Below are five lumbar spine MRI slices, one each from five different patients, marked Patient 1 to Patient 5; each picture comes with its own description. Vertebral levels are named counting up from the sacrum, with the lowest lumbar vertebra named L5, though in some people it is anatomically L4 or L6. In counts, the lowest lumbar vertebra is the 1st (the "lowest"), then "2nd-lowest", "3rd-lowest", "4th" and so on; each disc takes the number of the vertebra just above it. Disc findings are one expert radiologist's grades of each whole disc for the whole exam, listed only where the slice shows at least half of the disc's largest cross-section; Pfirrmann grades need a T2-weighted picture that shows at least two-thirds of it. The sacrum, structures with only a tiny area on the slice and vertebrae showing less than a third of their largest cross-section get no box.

Patient 1 of 5:
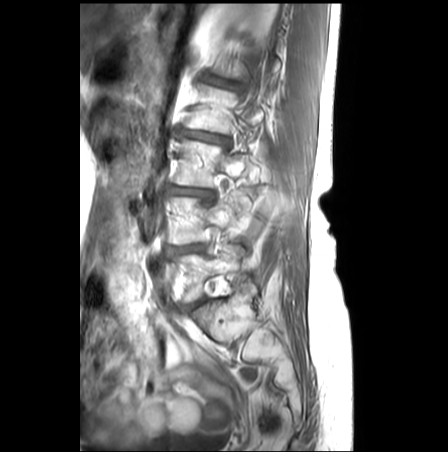 Sagittal slice index 7. Sex F. Sagittal T1-weighted lumbar spine MRI. Image 448x452.
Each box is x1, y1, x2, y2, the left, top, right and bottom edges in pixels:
L4/L5 (2nd-lowest disc) at 172, 244, 201, 253; L3 (3rd-lowest vertebra) at 174, 139, 246, 187; L4 (2nd-lowest vertebra) at 172, 196, 250, 245; IVD L1/L2 (5th disc) at 206, 73, 237, 89; L5 (lowest vertebra) at 178, 246, 243, 300; L2/L3 (4th disc) at 185, 131, 228, 144; L3/L4 (3rd-lowest disc) at 171, 187, 213, 197.

Radiological gradings:
- L1/L2 (5th disc): lower-endplate change, upper-endplate change, disc bulging
- L2/L3 (4th disc): Modic type II, disc narrowing, lower-endplate change, upper-endplate change, disc bulging
- L3/L4 (3rd-lowest disc): upper-endplate change, Modic type II, disc narrowing, lower-endplate change, disc bulging

Patient 2 of 5:
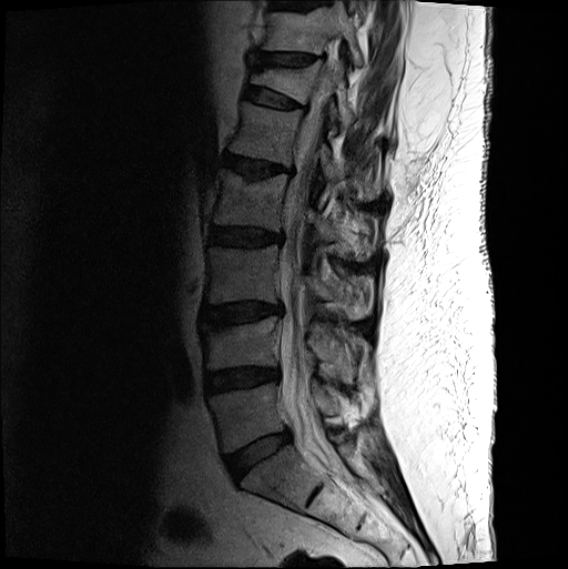 Sagittal T2-weighted lumbar spine MRI; Sagittal slice index 7; Sex M
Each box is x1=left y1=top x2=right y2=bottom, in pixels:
L2: x1=213 y1=169 x2=334 y2=243
L4/L5: x1=205 y1=367 x2=279 y2=393
T12/L1: x1=245 y1=87 x2=302 y2=108
T11: x1=263 y1=4 x2=363 y2=65
T11/T12: x1=253 y1=51 x2=316 y2=68
L5: x1=209 y1=382 x2=337 y2=452
L3 vertebra: x1=205 y1=244 x2=371 y2=319
spinal canal: x1=280 y1=65 x2=336 y2=468
L1: x1=230 y1=101 x2=372 y2=197
L1/L2: x1=223 y1=154 x2=292 y2=177
L4 vertebra: x1=202 y1=315 x2=354 y2=382
disc L5/S1: x1=225 y1=430 x2=291 y2=480
T12 vertebra: x1=251 y1=59 x2=354 y2=130
disc L3/L4: x1=201 y1=302 x2=282 y2=325
disc L2/L3: x1=210 y1=226 x2=283 y2=245

Expert MSK radiologist gradings (per disc):
• L4/L5: Pfirrmann grade 3, disc bulging, disc narrowing
• L2/L3: Pfirrmann grade 3, disc bulging, lower-endplate change
• T12/L1: Pfirrmann grade 2, spondylolisthesis, upper-endplate change, lower-endplate change, disc bulging
• L1/L2: Pfirrmann grade 3, upper-endplate change, disc bulging, disc narrowing, Modic type II, lower-endplate change
• L3/L4: Pfirrmann grade 3, upper-endplate change, Modic type II, disc bulging, lower-endplate change
• T11/T12: Pfirrmann grade 2, disc narrowing, disc bulging, lower-endplate change, upper-endplate change
• L5/S1: Pfirrmann grade 2, disc bulging

Patient 3 of 5:
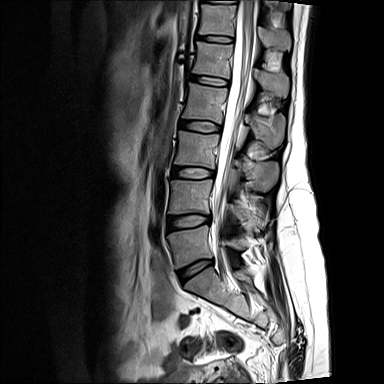 T2-weighted sagittal MRI of the lumbar spine

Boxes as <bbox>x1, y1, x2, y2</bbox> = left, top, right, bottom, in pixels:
T12 (6th vertebra): <bbox>199, 5, 291, 49</bbox>
L1 (5th vertebra): <bbox>192, 42, 288, 97</bbox>
L4/L5 (2nd-lowest disc): <bbox>168, 215, 210, 229</bbox>
L1/L2 (5th disc): <bbox>189, 75, 228, 85</bbox>
L2/L3 (4th disc): <bbox>179, 120, 220, 132</bbox>
IVD L5/S1 (lowest disc): <bbox>178, 261, 211, 281</bbox>
L3 (3rd-lowest vertebra): <bbox>175, 131, 278, 191</bbox>
thecal sac / spinal canal: <bbox>213, 0, 256, 242</bbox>
L5 (lowest vertebra): <bbox>168, 225, 243, 268</bbox>
L4 (2nd-lowest vertebra): <bbox>169, 179, 265, 230</bbox>
IVD T12/L1 (6th disc): <bbox>197, 35, 233, 42</bbox>
L2 (4th vertebra): <bbox>182, 83, 284, 148</bbox>
IVD L3/L4 (3rd-lowest disc): <bbox>172, 167, 214, 178</bbox>

Expert MSK radiologist gradings (per disc):
- L5/S1 (lowest disc): disc bulging
- T12/L1 (6th disc): Pfirrmann grade 1
- L3/L4 (3rd-lowest disc): Pfirrmann grade 1
- L2/L3 (4th disc): Pfirrmann grade 1
- L1/L2 (5th disc): Pfirrmann grade 1
- L4/L5 (2nd-lowest disc): Pfirrmann grade 2, Modic type II, disc bulging

Patient 4 of 5:
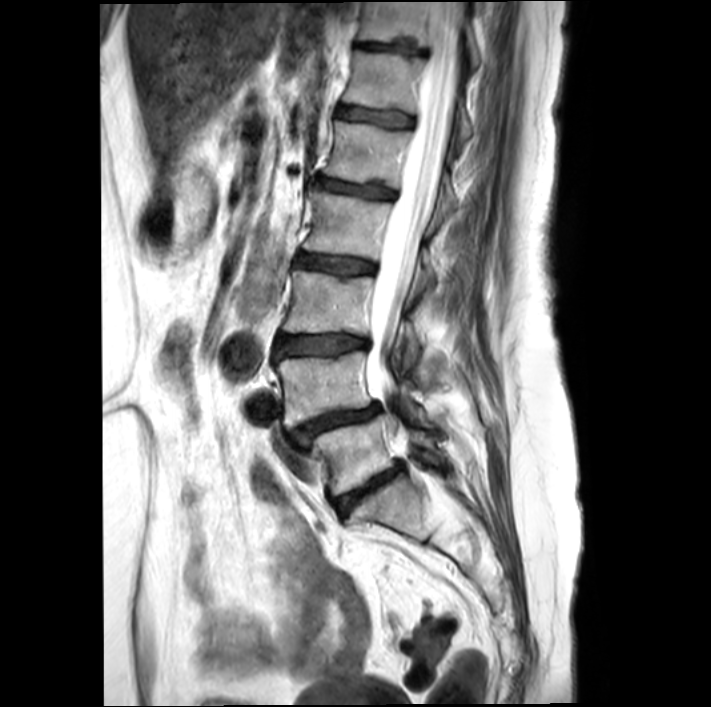
Slice spacing 4.4 mm; T2-weighted sagittal MRI of the lumbar spine; 711x707 px
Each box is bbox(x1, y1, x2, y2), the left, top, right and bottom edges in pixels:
Segmented structures:
- L1 (5th vertebra) at bbox(324, 121, 457, 211)
- L4 (2nd-lowest vertebra) at bbox(277, 351, 427, 427)
- T11 (7th vertebra) at bbox(360, 2, 481, 65)
- T12/L1 (6th disc) at bbox(337, 106, 413, 127)
- L2 (4th vertebra) at bbox(304, 191, 436, 286)
- intervertebral disc T11/T12 (7th disc) at bbox(360, 42, 425, 55)
- L1/L2 (5th disc) at bbox(312, 177, 395, 198)
- intervertebral disc L4/L5 (2nd-lowest disc) at bbox(293, 404, 379, 445)
- L5/S1 (lowest disc) at bbox(333, 465, 401, 516)
- T12 (6th vertebra) at bbox(342, 51, 472, 142)
- L3 (3rd-lowest vertebra) at bbox(284, 269, 421, 364)
- spinal canal at bbox(365, 3, 458, 406)
- L5 (lowest vertebra) at bbox(312, 414, 442, 494)
- intervertebral disc L3/L4 (3rd-lowest disc) at bbox(277, 334, 368, 357)
- L2/L3 (4th disc) at bbox(296, 253, 375, 274)

Degenerative findings by level:
- L1/L2 (5th disc): Pfirrmann grade 3, Modic type II, lower-endplate change
- L3/L4 (3rd-lowest disc): Pfirrmann grade 3, upper-endplate change, disc bulging, Modic type II, lower-endplate change
- L2/L3 (4th disc): Pfirrmann grade 3, Modic type II, upper-endplate change
- T11/T12 (7th disc): Pfirrmann grade 4, upper-endplate change, lower-endplate change, disc bulging
- L4/L5 (2nd-lowest disc): Pfirrmann grade 4, disc bulging, spondylolisthesis, Modic type II, disc narrowing, lower-endplate change
- T12/L1 (6th disc): Pfirrmann grade 3, lower-endplate change, Modic type II, upper-endplate change
- L5/S1 (lowest disc): Modic type II, disc bulging, disc narrowing, lower-endplate change

Patient 5 of 5:
Slice 21/26 | MRI lumbar spine (T2-weighted), sagittal plane

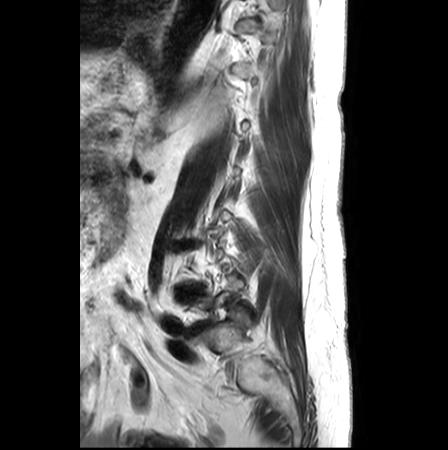 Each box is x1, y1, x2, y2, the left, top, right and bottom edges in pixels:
IVD L5/S1: 193, 325, 205, 332
IVD L4/L5: 178, 287, 197, 295